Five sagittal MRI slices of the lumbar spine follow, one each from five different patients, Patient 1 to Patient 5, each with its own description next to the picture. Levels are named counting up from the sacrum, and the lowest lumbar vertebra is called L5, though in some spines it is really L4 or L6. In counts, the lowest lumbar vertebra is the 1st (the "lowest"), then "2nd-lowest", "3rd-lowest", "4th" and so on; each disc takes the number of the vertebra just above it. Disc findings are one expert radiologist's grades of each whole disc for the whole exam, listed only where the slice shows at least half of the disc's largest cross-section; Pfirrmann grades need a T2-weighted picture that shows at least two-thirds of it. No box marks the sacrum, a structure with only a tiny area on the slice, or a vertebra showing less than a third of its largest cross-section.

Patient 1 of 5:
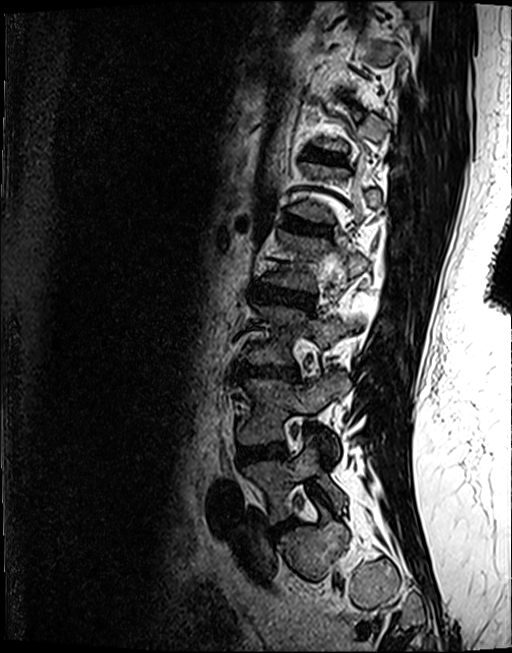 Slice 84/122; Patient sex: F; T2 SPACE (3D) sagittal MRI of the lumbar spine; 512x653 px; Slice spacing 0.9 mm
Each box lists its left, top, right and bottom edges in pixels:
L5 (lowest vertebra) at left=242, top=434, right=345, bottom=523; IVD L4/L5 (2nd-lowest disc) at left=238, top=442, right=284, bottom=463; L4 (2nd-lowest vertebra) at left=238, top=369, right=350, bottom=455; L2 (4th vertebra) at left=266, top=230, right=368, bottom=290; IVD L5/S1 (lowest disc) at left=269, top=518, right=293, bottom=536; L3 (3rd-lowest vertebra) at left=242, top=304, right=363, bottom=364; L3/L4 (3rd-lowest disc) at left=236, top=364, right=299, bottom=378; L2/L3 (4th disc) at left=253, top=284, right=313, bottom=308; L1/L2 (5th disc) at left=284, top=216, right=328, bottom=234; IVD T12/L1 (6th disc) at left=309, top=149, right=342, bottom=161.

Expert MSK radiologist gradings (per disc):
- L3/L4 (3rd-lowest disc): Pfirrmann grade 4, disc narrowing, upper-endplate change, disc bulging, Modic type II, lower-endplate change
- L2/L3 (4th disc): Pfirrmann grade 4, disc bulging, upper-endplate change, lower-endplate change
- L4/L5 (2nd-lowest disc): disc bulging, Modic type II, lower-endplate change

Patient 2 of 5:
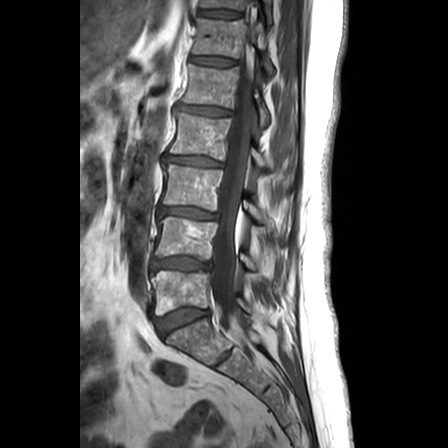 Slice 12 of 24 | Image 448x448 | Sex F | Sagittal T1-weighted lumbar spine MRI
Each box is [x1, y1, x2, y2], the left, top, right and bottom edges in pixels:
L3/L4 — [159, 206, 217, 218].
L2/L3 — [164, 154, 222, 166].
L1/L2 — [178, 104, 230, 115].
L2 — [170, 112, 265, 169].
T12/L1 — [191, 56, 235, 66].
L5 vertebra — [151, 270, 250, 315].
L3 — [163, 164, 262, 223].
Thecal sac / spinal canal — [210, 35, 253, 341].
T11 — [201, 0, 272, 22].
L4 vertebra — [154, 217, 261, 281].
Disc L4/L5 — [151, 257, 209, 272].
L1 — [183, 64, 269, 127].
T12 — [193, 18, 273, 74].
T11/T12 — [199, 10, 239, 18].
L5/S1 — [157, 307, 209, 334].

Degenerative findings by level:
• L5/S1: lower-endplate change, upper-endplate change, Modic type II
• L2/L3: upper-endplate change, disc narrowing, disc bulging, lower-endplate change, Modic type II
• L1/L2: disc narrowing, disc bulging
• L4/L5: Modic type II, upper-endplate change, lower-endplate change, disc bulging
• L3/L4: disc narrowing, disc bulging, upper-endplate change, lower-endplate change, Modic type II
• T12/L1, T11/T12: no herniation, bulging, narrowing, spondylolisthesis, endplate or Modic change recorded

Patient 3 of 5:
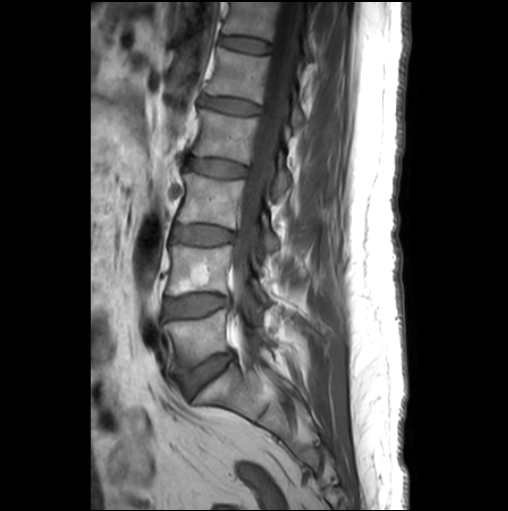
T1-weighted sagittal MRI of the lumbar spine. Slice 16/26. Patient sex: M.

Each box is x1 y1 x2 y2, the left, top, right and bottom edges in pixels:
{"L1/L2": "203 97 260 113", "T12/L1": "221 36 270 52", "L2": "193 107 291 198", "L5/S1": "179 353 234 396", "T12": "224 2 312 60", "L5 vertebra": "163 309 272 373", "L1 vertebra": "207 47 305 131", "spinal canal": "231 1 304 347", "L4": "167 244 270 303", "L3": "177 173 279 250", "disc L2/L3": "186 157 246 176", "L4/L5": "165 294 228 317", "disc L3/L4": "172 225 233 244"}

Per-level radiological findings:
- L4/L5: Modic type II
- L5/S1: disc bulging, Modic type II
- L1/L2, L3/L4, L2/L3, T12/L1: no herniation, bulging, narrowing, spondylolisthesis, endplate or Modic change recorded

Patient 4 of 5:
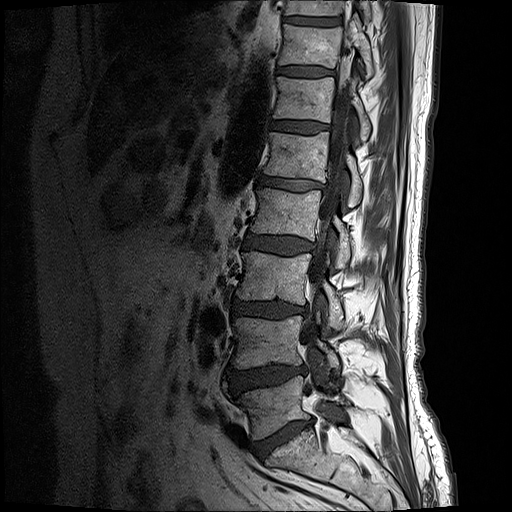

T1-weighted sagittal MRI of the lumbar spine; Slice 8/19

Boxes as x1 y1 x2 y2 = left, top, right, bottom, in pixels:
lowest disc: 252 419 312 459 | 6th disc: 271 121 329 134 | 3rd-lowest disc: 232 299 308 318 | 7th disc: 278 67 332 76 | 8th vertebra: 284 0 372 22 | 4th disc: 244 232 316 255 | lowest vertebra: 237 375 348 439 | 2nd-lowest disc: 228 364 306 392 | 5th vertebra: 264 131 361 206 | 7th vertebra: 278 15 373 78 | 8th disc: 284 15 340 26 | 5th disc: 258 175 324 190 | 6th vertebra: 273 76 370 141 | 3rd-lowest vertebra: 237 251 344 329 | 4th vertebra: 250 187 350 267 | spinal canal: 301 49 352 349 | 2nd-lowest vertebra: 233 316 340 375

Per-level radiological findings:
  3rd-lowest disc: Modic type II, lower-endplate change, disc narrowing, disc bulging
  lowest disc: disc bulging, disc narrowing, Modic type II, lower-endplate change
  5th disc: disc bulging, lower-endplate change, Modic type II, disc narrowing, upper-endplate change
  4th disc: disc bulging
  2nd-lowest disc: disc herniation, disc bulging
  6th disc, 7th disc: no spondylolisthesis, narrowing, bulging, herniation, Modic or endplate change recorded

Patient 5 of 5:
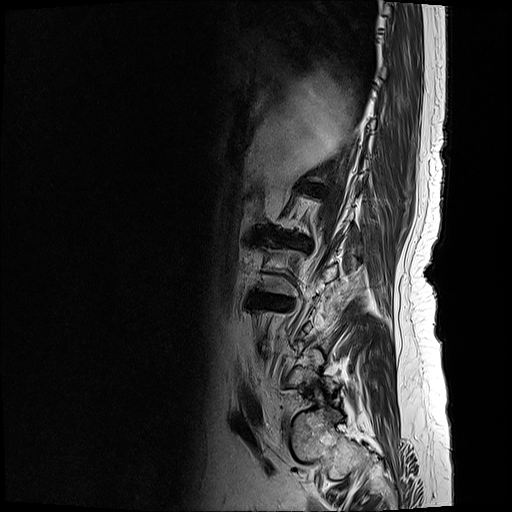 Sagittal T2-weighted lumbar spine MRI
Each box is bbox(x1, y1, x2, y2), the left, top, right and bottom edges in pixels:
{"3rd-lowest disc": "bbox(248, 292, 291, 308)", "4th disc": "bbox(266, 235, 309, 250)"}

Radiological gradings:
  4th disc: Pfirrmann grade 5, disc narrowing, lower-endplate change, upper-endplate change, disc bulging, Modic type II
  3rd-lowest disc: Pfirrmann grade 5, upper-endplate change, disc bulging, Modic type II, lower-endplate change, disc narrowing